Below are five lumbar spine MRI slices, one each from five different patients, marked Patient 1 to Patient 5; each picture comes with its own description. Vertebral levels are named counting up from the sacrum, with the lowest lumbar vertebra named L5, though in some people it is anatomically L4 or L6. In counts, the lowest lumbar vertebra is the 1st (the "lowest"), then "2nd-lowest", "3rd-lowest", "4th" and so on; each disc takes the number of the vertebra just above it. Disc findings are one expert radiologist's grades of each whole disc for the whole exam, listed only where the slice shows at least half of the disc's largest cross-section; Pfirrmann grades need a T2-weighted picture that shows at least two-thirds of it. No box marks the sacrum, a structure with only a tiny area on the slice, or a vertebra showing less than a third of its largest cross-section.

Patient 1 of 5:
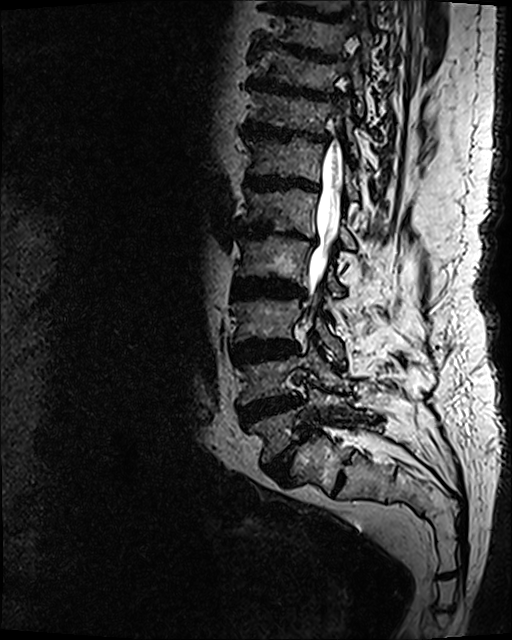 MRI lumbar spine (T2 SPACE (3D)), sagittal plane
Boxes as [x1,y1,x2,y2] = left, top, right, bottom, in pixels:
Annotations:
* lowest disc = [264,426,313,481]
* 4th disc = [233,278,303,297]
* 3rd-lowest vertebra = [232,299,343,359]
* 7th disc = [243,120,329,141]
* 5th vertebra = [240,187,356,249]
* 2nd-lowest disc = [239,396,304,428]
* 8th vertebra = [256,49,365,115]
* 3rd-lowest disc = [231,339,299,363]
* 5th disc = [232,225,317,245]
* 2nd-lowest vertebra = [238,340,348,405]
* 8th disc = [246,76,337,101]
* 6th disc = [244,173,319,191]
* 7th vertebra = [251,90,358,157]
* thecal sac / spinal canal = [304,115,343,322]
* lowest vertebra = [248,386,362,463]
* 6th vertebra = [248,136,359,199]
* 4th vertebra = [236,235,346,297]
* 9th disc = [258,44,338,62]

Radiological gradings:
  6th disc: Pfirrmann grade 5, disc narrowing, upper-endplate change, lower-endplate change, Modic type II, disc bulging
  9th disc: Pfirrmann grade 5, Modic type II, lower-endplate change, disc narrowing, upper-endplate change, disc bulging
  lowest disc: Pfirrmann grade 5, disc narrowing, Modic type II, spondylolisthesis, upper-endplate change, lower-endplate change, disc bulging
  3rd-lowest disc: Pfirrmann grade 5, Modic type II, upper-endplate change, disc bulging, disc narrowing, lower-endplate change
  7th disc: Pfirrmann grade 5, Modic type II, disc bulging, upper-endplate change, lower-endplate change, disc narrowing
  5th disc: disc narrowing, Modic type II, upper-endplate change, lower-endplate change, disc bulging
  4th disc: Pfirrmann grade 5, lower-endplate change, upper-endplate change, disc bulging, disc narrowing, Modic type II
  2nd-lowest disc: disc bulging, disc narrowing, upper-endplate change, lower-endplate change, Modic type II
  8th disc: Pfirrmann grade 5, upper-endplate change, disc bulging, lower-endplate change, disc narrowing, Modic type II

Patient 2 of 5:
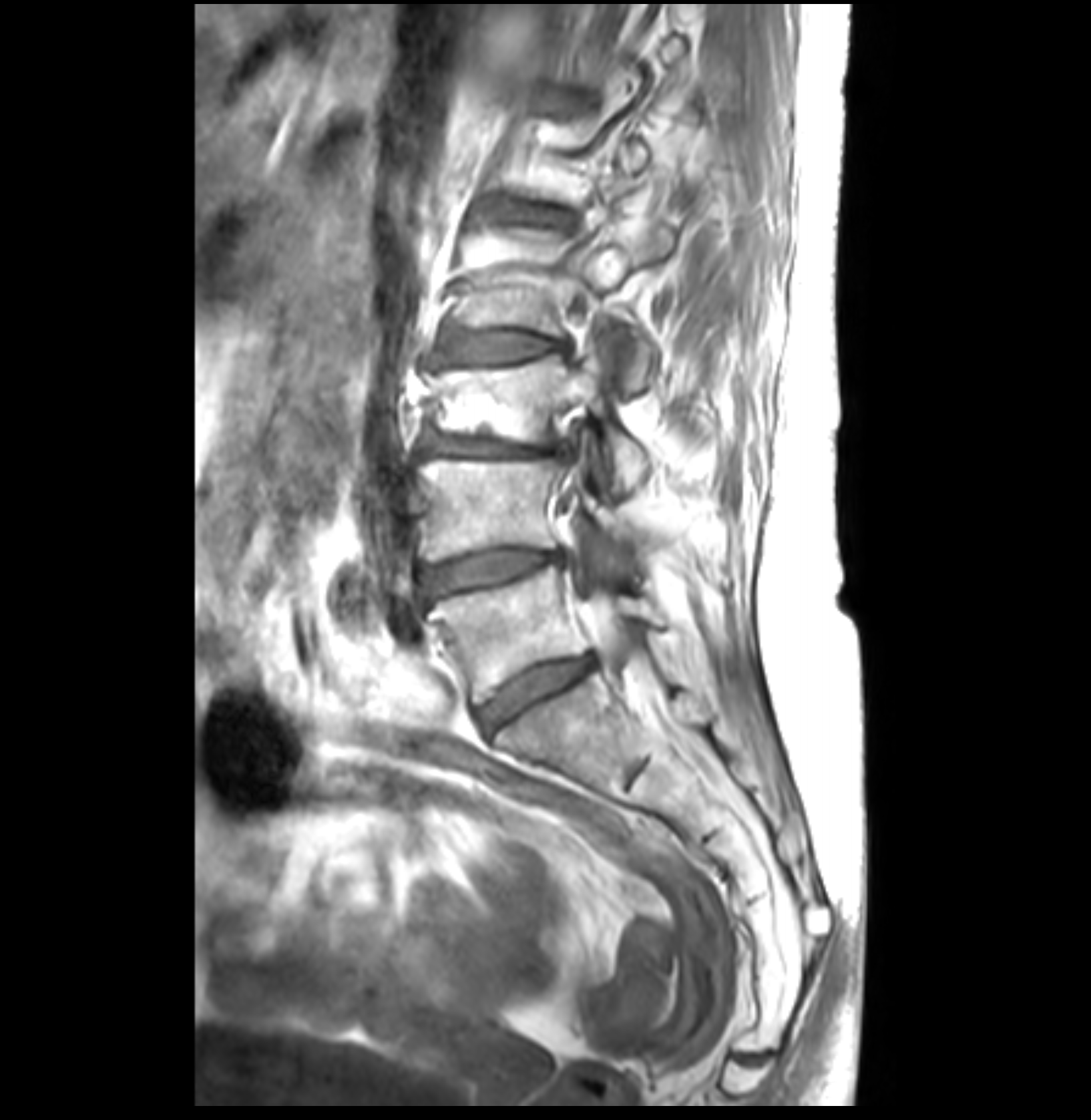 Field of view 280x287 mm, slice spacing 3.4 mm, T1-weighted sagittal MRI of the lumbar spine
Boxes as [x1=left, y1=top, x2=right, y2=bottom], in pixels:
Lowest vertebra: [x1=429, y1=566, x2=664, y2=703].
3rd-lowest disc: [x1=424, y1=430, x2=570, y2=457].
2nd-lowest disc: [x1=421, y1=547, x2=562, y2=600].
5th disc: [x1=504, y1=202, x2=572, y2=230].
3rd-lowest vertebra: [x1=429, y1=344, x2=650, y2=495].
Thecal sac / spinal canal: [x1=572, y1=541, x2=640, y2=667].
4th disc: [x1=436, y1=331, x2=572, y2=364].
2nd-lowest vertebra: [x1=419, y1=458, x2=645, y2=560].
Lowest disc: [x1=480, y1=655, x2=594, y2=729].
4th vertebra: [x1=460, y1=222, x2=672, y2=395].

Degenerative findings by level:
- 3rd-lowest disc: upper-endplate change, disc narrowing, Modic type II, disc bulging
- 2nd-lowest disc: Modic type II, disc bulging, disc narrowing
- 4th disc: Modic type II, disc bulging
- lowest disc: disc bulging

Patient 3 of 5:
Scanner: SIEMENS Avanto_fit (1.5T); Slice 34 of 124; Sagittal T2 SPACE (3D) lumbar spine MRI; Sex M 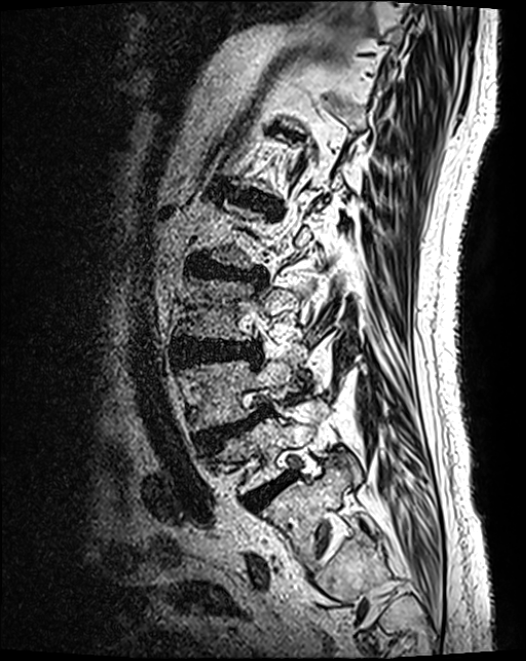 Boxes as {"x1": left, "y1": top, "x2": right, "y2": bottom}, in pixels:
L4/L5 (2nd-lowest disc) at {"x1": 198, "y1": 410, "x2": 266, "y2": 449}, L3 (3rd-lowest vertebra) at {"x1": 181, "y1": 279, "x2": 301, "y2": 341}, disc L2/L3 (4th disc) at {"x1": 190, "y1": 259, "x2": 265, "y2": 283}, L4 (2nd-lowest vertebra) at {"x1": 183, "y1": 360, "x2": 292, "y2": 431}, L1/L2 (5th disc) at {"x1": 229, "y1": 189, "x2": 280, "y2": 212}, L5 (lowest vertebra) at {"x1": 215, "y1": 409, "x2": 324, "y2": 494}, L5/S1 (lowest disc) at {"x1": 244, "y1": 473, "x2": 295, "y2": 509}, L3/L4 (3rd-lowest disc) at {"x1": 176, "y1": 341, "x2": 256, "y2": 364}.

Expert MSK radiologist gradings (per disc):
- L2/L3 (4th disc): upper-endplate change, lower-endplate change, disc bulging, disc narrowing
- L3/L4 (3rd-lowest disc): Pfirrmann grade 4, disc bulging
- L1/L2 (5th disc): upper-endplate change, lower-endplate change, disc bulging

Patient 4 of 5:
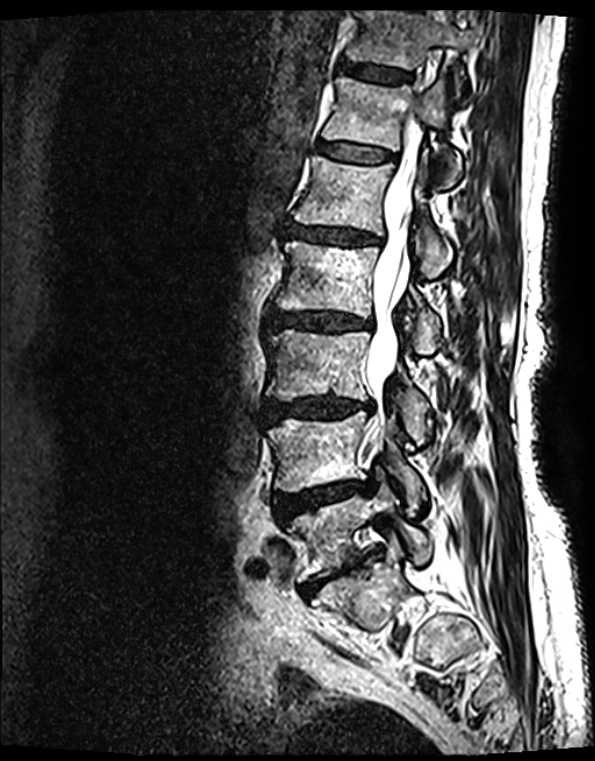 T2 SPACE (3D) sagittal MRI of the lumbar spine; Slice spacing 0.9 mm; Image 595x761; Sex F

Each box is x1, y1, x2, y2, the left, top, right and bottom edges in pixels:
5th vertebra: 294, 158, 451, 276
2nd-lowest disc: 274, 482, 372, 525
7th disc: 341, 63, 412, 83
7th vertebra: 345, 11, 477, 96
4th disc: 269, 313, 370, 330
2nd-lowest vertebra: 267, 411, 424, 511
6th disc: 316, 144, 391, 164
6th vertebra: 322, 77, 461, 187
3rd-lowest vertebra: 266, 330, 430, 443
4th vertebra: 276, 242, 440, 354
5th disc: 288, 225, 375, 245
thecal sac / spinal canal: 365, 118, 420, 420
lowest vertebra: 287, 482, 430, 580
3rd-lowest disc: 269, 396, 371, 422
lowest disc: 301, 556, 364, 595

Degenerative findings by level:
• 6th disc: Pfirrmann grade 2, upper-endplate change, lower-endplate change, Modic type II
• 3rd-lowest disc: Pfirrmann grade 4, lower-endplate change, Modic type II, disc narrowing, upper-endplate change, disc bulging
• 7th disc: Pfirrmann grade 2, upper-endplate change, Modic type II, lower-endplate change
• 5th disc: Pfirrmann grade 4, upper-endplate change, Modic type II, disc narrowing, lower-endplate change, disc bulging
• 4th disc: Pfirrmann grade 4, Modic type II, lower-endplate change, disc bulging, disc narrowing, upper-endplate change
• 2nd-lowest disc: Pfirrmann grade 4, disc bulging, Modic type II, disc herniation, disc narrowing, upper-endplate change, lower-endplate change

Patient 5 of 5:
Slice 16 of 23, T1-weighted sagittal MRI of the lumbar spine, Sex F
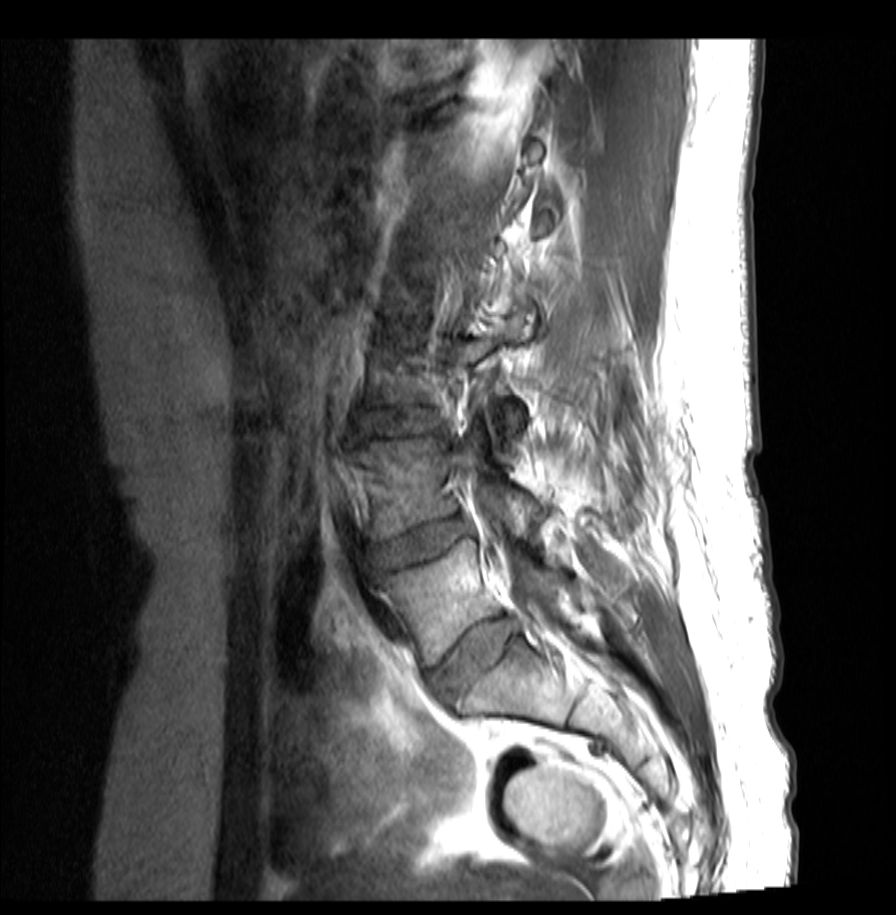
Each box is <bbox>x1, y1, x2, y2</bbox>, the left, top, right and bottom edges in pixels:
L4/L5 (2nd-lowest disc) at <bbox>371, 517, 469, 569</bbox> | L4 (2nd-lowest vertebra) at <bbox>359, 431, 541, 539</bbox> | thecal sac / spinal canal at <bbox>488, 528, 558, 633</bbox> | L5/S1 (lowest disc) at <bbox>428, 617, 518, 703</bbox> | L3/L4 (3rd-lowest disc) at <bbox>355, 409, 435, 436</bbox> | L5 (lowest vertebra) at <bbox>374, 540, 554, 666</bbox>

Degenerative findings by level:
• L5/S1 (lowest disc): disc bulging
• L4/L5 (2nd-lowest disc): disc herniation
• L3/L4 (3rd-lowest disc): disc bulging